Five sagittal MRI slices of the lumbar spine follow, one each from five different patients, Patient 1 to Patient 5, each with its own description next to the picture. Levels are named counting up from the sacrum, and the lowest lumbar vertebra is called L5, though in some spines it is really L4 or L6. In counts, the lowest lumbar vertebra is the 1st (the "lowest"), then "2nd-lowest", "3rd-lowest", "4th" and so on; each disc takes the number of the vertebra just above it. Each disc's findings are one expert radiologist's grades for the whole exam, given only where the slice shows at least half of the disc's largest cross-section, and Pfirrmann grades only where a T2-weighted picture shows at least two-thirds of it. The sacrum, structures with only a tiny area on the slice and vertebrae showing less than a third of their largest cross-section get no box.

Patient 1 of 5:
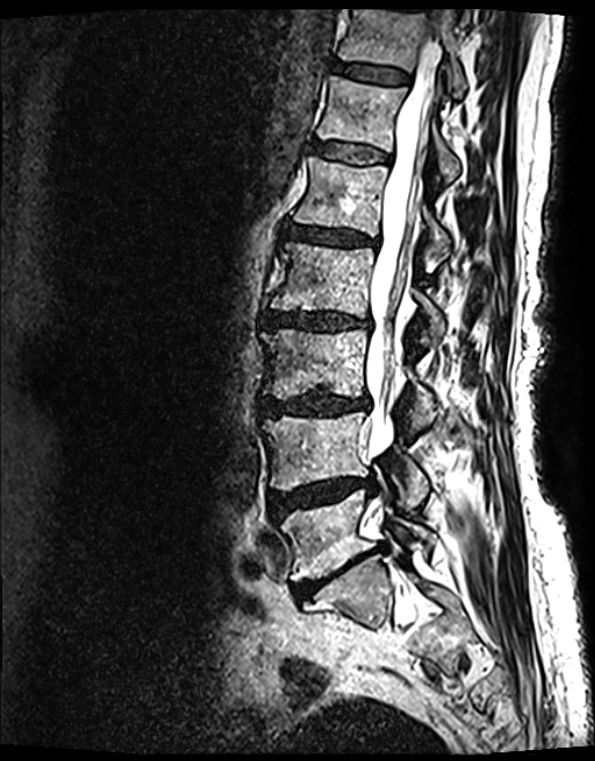

MRI lumbar spine (T2 SPACE (3D)), sagittal plane. 595x761 px. Patient sex: F.

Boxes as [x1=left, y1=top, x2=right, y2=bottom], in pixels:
T11 at [x1=338, y1=10, x2=465, y2=99].
L5 at [x1=280, y1=489, x2=430, y2=582].
L2 vertebra at [x1=271, y1=243, x2=444, y2=339].
L3 vertebra at [x1=264, y1=329, x2=435, y2=419].
T12/L1 at [x1=313, y1=144, x2=387, y2=165].
L2/L3 at [x1=266, y1=312, x2=368, y2=330].
L5/S1 at [x1=293, y1=548, x2=378, y2=598].
Intervertebral disc T11/T12 at [x1=334, y1=63, x2=408, y2=85].
L4/L5 at [x1=270, y1=480, x2=377, y2=520].
L1 at [x1=293, y1=159, x2=449, y2=243].
Intervertebral disc L3/L4 at [x1=263, y1=391, x2=368, y2=416].
L4 at [x1=264, y1=413, x2=429, y2=504].
T12 at [x1=316, y1=77, x2=459, y2=184].
L1/L2 at [x1=288, y1=226, x2=370, y2=245].
Thecal sac / spinal canal at [x1=365, y1=36, x2=443, y2=458].

Radiological gradings:
- L2/L3: Pfirrmann grade 4, lower-endplate change, upper-endplate change, disc narrowing, Modic type II, disc bulging
- L3/L4: Pfirrmann grade 4, disc bulging, Modic type II, lower-endplate change, disc narrowing, upper-endplate change
- L4/L5: Pfirrmann grade 4, Modic type II, disc narrowing, upper-endplate change, disc herniation, lower-endplate change, disc bulging
- T12/L1: Pfirrmann grade 2, lower-endplate change, upper-endplate change, Modic type II
- L1/L2: Pfirrmann grade 4, disc narrowing, upper-endplate change, disc bulging, lower-endplate change, Modic type II
- T11/T12: Pfirrmann grade 2, lower-endplate change, Modic type II, upper-endplate change

Patient 2 of 5:
Sagittal T1-weighted lumbar spine MRI; Scanner: Philips Healthcare Ingenia (3T)

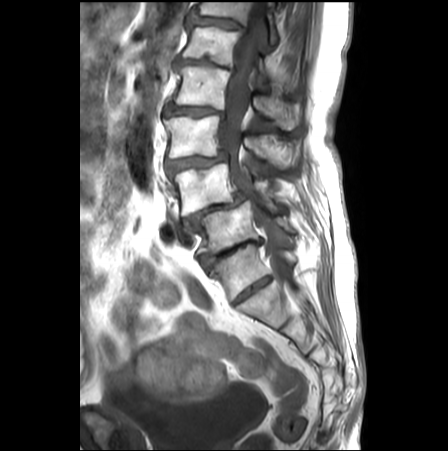
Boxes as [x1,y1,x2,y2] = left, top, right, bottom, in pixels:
Segmented structures:
* L2 at [172,64,296,129]
* L4/L5 at [183,192,249,232]
* L4 at [170,163,281,216]
* L5 vertebra at [198,201,297,253]
* L3 vertebra at [164,116,294,163]
* IVD L5/S1 at [199,238,262,271]
* thecal sac / spinal canal at [218,2,290,282]
* L3/L4 at [166,153,226,173]
* IVD L2/L3 at [164,103,225,118]
* T12/L1 at [188,11,245,32]
* IVD L1/L2 at [174,58,234,74]
* L1 at [182,26,289,87]
* T12 at [193,1,277,44]

Radiological gradings:
- L1/L2: disc narrowing, lower-endplate change, disc bulging
- L4/L5: upper-endplate change, disc bulging, disc narrowing, Modic type II, spondylolisthesis, lower-endplate change, disc herniation
- L3/L4: Modic type II, disc bulging, spondylolisthesis, disc narrowing, lower-endplate change, upper-endplate change
- T12/L1: lower-endplate change, upper-endplate change, disc bulging
- L2/L3: disc bulging, upper-endplate change, Modic type II, spondylolisthesis, lower-endplate change, disc narrowing
- L5/S1: disc herniation, Modic type II, disc bulging, upper-endplate change, lower-endplate change, disc narrowing

Patient 3 of 5:
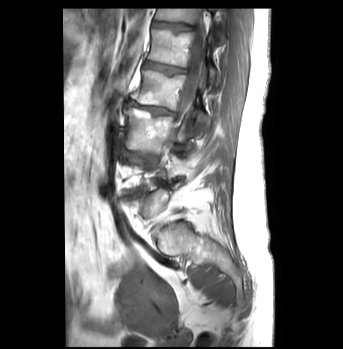 Sagittal slice index 15 | Lumbar spine MR, T1-weighted, sagittal

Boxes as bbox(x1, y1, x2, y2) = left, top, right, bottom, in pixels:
5th vertebra at bbox(147, 28, 218, 85); 3rd-lowest disc at bbox(119, 149, 159, 160); 6th disc at bbox(152, 21, 191, 31); 3rd-lowest vertebra at bbox(124, 108, 191, 152); spinal canal at bbox(178, 18, 206, 120); 4th vertebra at bbox(132, 70, 207, 132); 4th disc at bbox(125, 100, 175, 116); 6th vertebra at bbox(155, 9, 225, 43); 5th disc at bbox(143, 60, 186, 74).

Per-level radiological findings:
• 5th disc: upper-endplate change
• 3rd-lowest disc: Modic type II, disc bulging
• 6th disc: upper-endplate change
• 4th disc: lower-endplate change, disc bulging, Modic type II, disc narrowing

Patient 4 of 5:
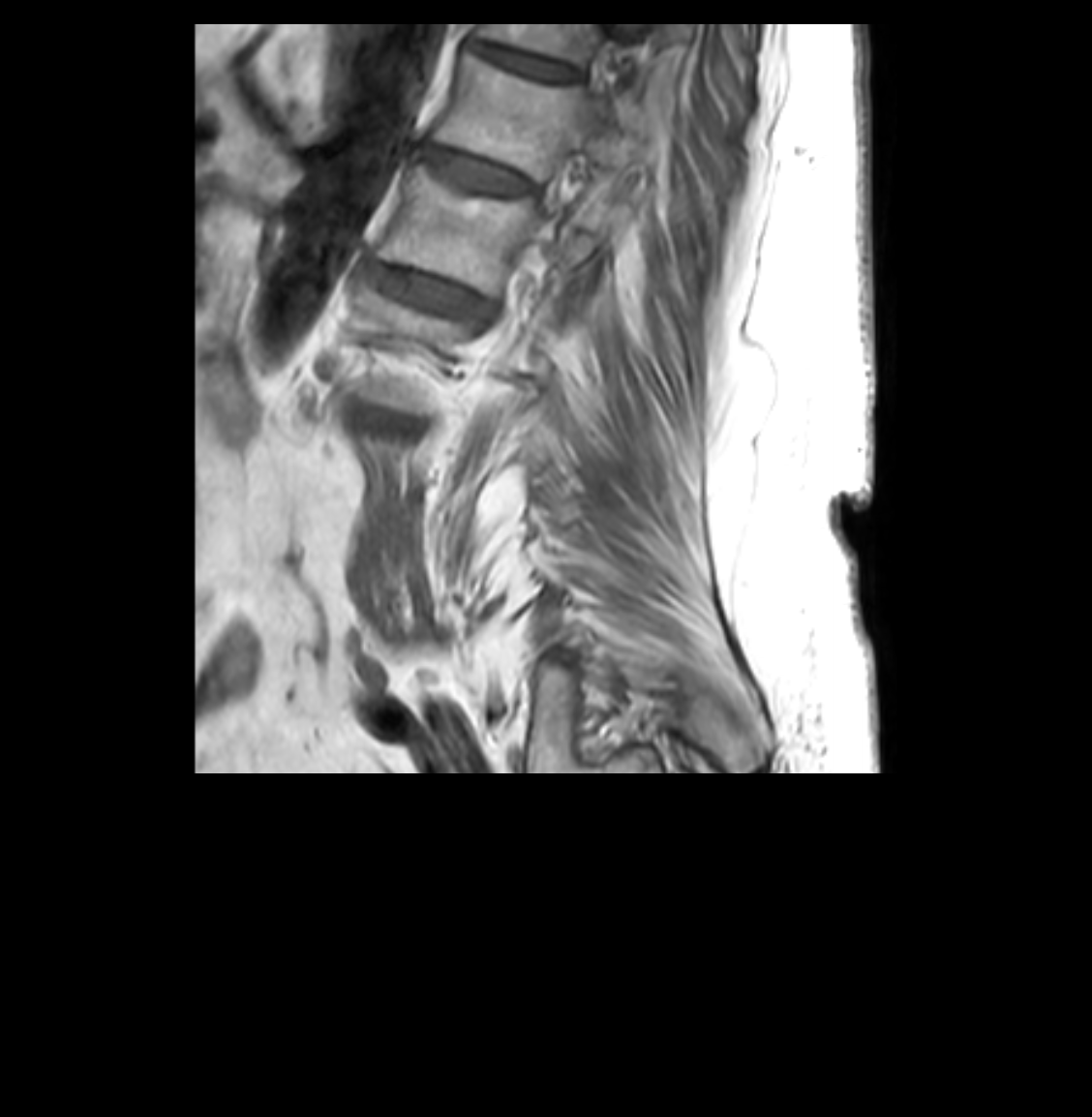 T1-weighted sagittal MRI of the lumbar spine, Sex F, 1092x1117 px
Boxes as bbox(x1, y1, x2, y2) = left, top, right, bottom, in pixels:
Annotations:
* 7th vertebra at bbox(478, 23, 598, 68)
* 6th vertebra at bbox(434, 54, 633, 180)
* 5th vertebra at bbox(380, 164, 606, 294)
* 7th disc at bbox(470, 40, 577, 79)
* 6th disc at bbox(422, 145, 526, 194)
* 5th disc at bbox(368, 263, 487, 314)

Per-level radiological findings:
- 5th disc: upper-endplate change, disc bulging, lower-endplate change, disc narrowing
- 6th disc: disc narrowing, disc bulging
- 7th disc: disc narrowing

Patient 5 of 5:
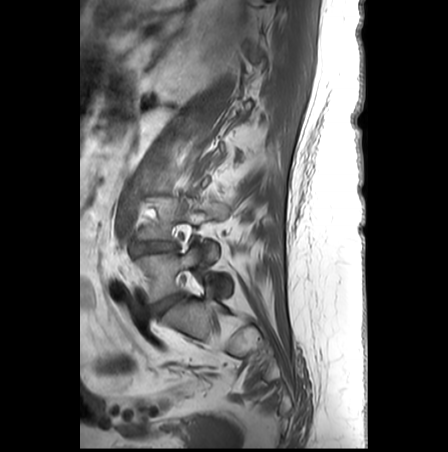 448x452 px. Field of view 280x283 mm, slice spacing 3.3 mm. MRI lumbar spine (T1-weighted), sagittal plane. Slice 21 of 28.
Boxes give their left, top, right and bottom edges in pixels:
Annotations:
- L4: left=137, top=198, right=228, bottom=262
- IVD L5/S1: left=153, top=294, right=181, bottom=315
- IVD L4/L5: left=131, top=241, right=177, bottom=254
- L5: left=134, top=247, right=231, bottom=302

Degenerative findings by level:
  L4/L5: Modic type II, upper-endplate change, lower-endplate change, disc narrowing, disc bulging